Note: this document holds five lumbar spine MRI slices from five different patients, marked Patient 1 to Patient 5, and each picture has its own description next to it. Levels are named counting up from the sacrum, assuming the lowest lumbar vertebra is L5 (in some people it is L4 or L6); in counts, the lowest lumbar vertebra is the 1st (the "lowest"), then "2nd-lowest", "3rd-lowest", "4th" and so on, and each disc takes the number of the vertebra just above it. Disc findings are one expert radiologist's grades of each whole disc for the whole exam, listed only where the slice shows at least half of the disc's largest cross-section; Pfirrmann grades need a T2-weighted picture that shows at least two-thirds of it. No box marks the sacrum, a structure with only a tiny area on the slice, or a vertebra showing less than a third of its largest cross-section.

Patient 1 of 5:
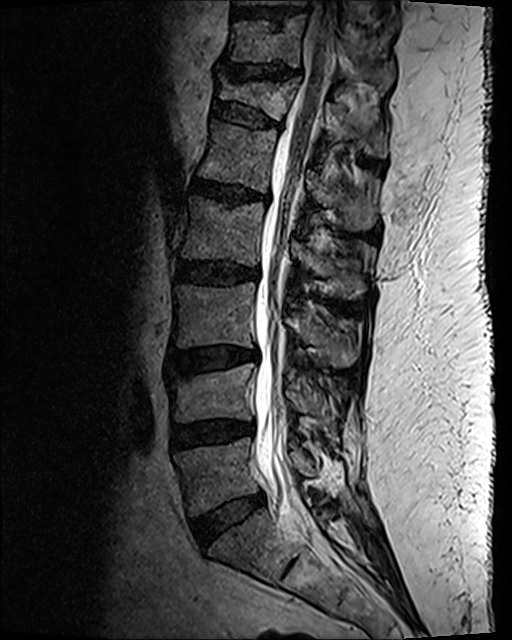 Lumbar spine MR, T2 SPACE (3D), sagittal. Patient sex: M. Field of view 240x300 mm, slice spacing 0.9 mm.
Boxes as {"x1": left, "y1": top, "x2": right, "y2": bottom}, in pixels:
Intervertebral disc L2/L3: {"x1": 178, "y1": 260, "x2": 258, "y2": 286}.
L3/L4: {"x1": 174, "y1": 349, "x2": 258, "y2": 374}.
T11/T12: {"x1": 227, "y1": 66, "x2": 292, "y2": 81}.
Intervertebral disc T12/L1: {"x1": 212, "y1": 101, "x2": 279, "y2": 128}.
Intervertebral disc L4/L5: {"x1": 171, "y1": 422, "x2": 249, "y2": 449}.
L3 vertebra: {"x1": 173, "y1": 282, "x2": 359, "y2": 367}.
L1: {"x1": 198, "y1": 121, "x2": 376, "y2": 231}.
T12 vertebra: {"x1": 218, "y1": 80, "x2": 384, "y2": 156}.
L5/S1: {"x1": 192, "y1": 493, "x2": 265, "y2": 546}.
T11: {"x1": 225, "y1": 16, "x2": 394, "y2": 91}.
L4: {"x1": 166, "y1": 364, "x2": 323, "y2": 423}.
L1/L2: {"x1": 191, "y1": 180, "x2": 249, "y2": 206}.
L5: {"x1": 175, "y1": 438, "x2": 317, "y2": 515}.
Spinal canal: {"x1": 254, "y1": 1, "x2": 335, "y2": 528}.
T10/T11: {"x1": 237, "y1": 10, "x2": 301, "y2": 20}.
L2: {"x1": 182, "y1": 198, "x2": 365, "y2": 299}.

Per-level radiological findings:
• T11/T12: Pfirrmann grade 2, disc narrowing, lower-endplate change, disc bulging, upper-endplate change
• L4/L5: Pfirrmann grade 3, disc bulging, disc narrowing
• L5/S1: Pfirrmann grade 2, disc bulging
• L2/L3: Pfirrmann grade 3, disc bulging, lower-endplate change
• L3/L4: Pfirrmann grade 3, lower-endplate change, upper-endplate change, Modic type II, disc bulging
• L1/L2: Pfirrmann grade 3, upper-endplate change, Modic type II, lower-endplate change, disc bulging, disc narrowing
• T12/L1: Pfirrmann grade 2, lower-endplate change, disc bulging, upper-endplate change, spondylolisthesis

Patient 2 of 5:
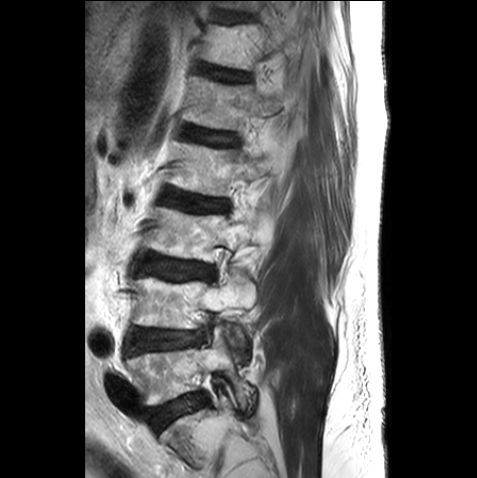 Sagittal T2-weighted lumbar spine MRI; 477x478 px
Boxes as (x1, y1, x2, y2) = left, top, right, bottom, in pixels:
Structures:
• L2/L3 (4th disc) = (162, 189, 228, 212)
• T12/L1 (6th disc) = (202, 65, 249, 81)
• L1/L2 (5th disc) = (185, 128, 236, 145)
• L4 (2nd-lowest vertebra) = (131, 269, 255, 350)
• L1 (5th vertebra) = (184, 76, 294, 129)
• T12 (6th vertebra) = (202, 24, 295, 70)
• L5 (lowest vertebra) = (127, 325, 253, 407)
• IVD L4/L5 (2nd-lowest disc) = (129, 330, 203, 352)
• L3 (3rd-lowest vertebra) = (148, 207, 262, 262)
• L2 (4th vertebra) = (167, 142, 273, 195)
• IVD L5/S1 (lowest disc) = (151, 394, 204, 427)
• T11/T12 (7th disc) = (220, 13, 250, 22)
• IVD L3/L4 (3rd-lowest disc) = (138, 254, 214, 279)

Expert MSK radiologist gradings (per disc):
- L2/L3 (4th disc): Pfirrmann grade 3, upper-endplate change
- L3/L4 (3rd-lowest disc): Pfirrmann grade 2
- L4/L5 (2nd-lowest disc): lower-endplate change
- L1/L2 (5th disc): no Modic or endplate change, herniation, narrowing, bulging or spondylolisthesis recorded

Patient 3 of 5:
Slice 14/19, Sagittal T2-weighted lumbar spine MRI, Scanner: Philips Medical Systems Ingenia (1.5T) 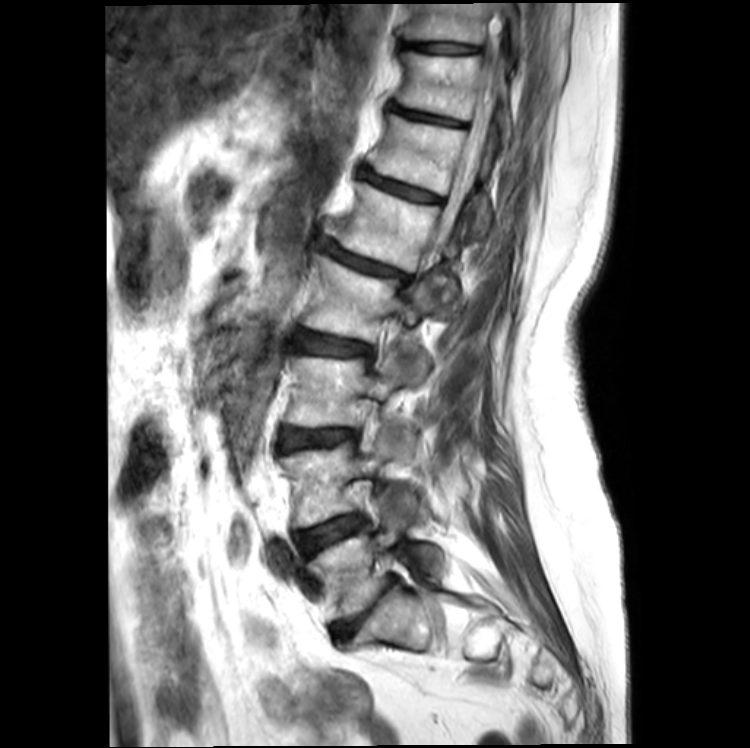
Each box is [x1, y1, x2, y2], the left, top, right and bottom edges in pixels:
• L4 at [282, 437, 414, 526]
• T10 at [406, 3, 524, 53]
• L3 vertebra at [288, 355, 402, 426]
• L3/L4 at [281, 427, 354, 449]
• IVD L1/L2 at [322, 240, 413, 281]
• IVD L4/L5 at [297, 513, 367, 555]
• L2 vertebra at [303, 255, 443, 380]
• L5 at [310, 507, 437, 625]
• T11/T12 at [392, 105, 465, 125]
• L1 vertebra at [333, 181, 461, 302]
• IVD T12/L1 at [361, 170, 443, 201]
• T12 at [368, 114, 499, 232]
• T11 vertebra at [396, 52, 512, 134]
• T10/T11 at [408, 42, 480, 53]
• L2/L3 at [295, 330, 373, 354]
• thecal sac / spinal canal at [418, 13, 500, 285]
• L5/S1 at [333, 589, 389, 641]

Degenerative findings by level:
• L3/L4: Pfirrmann grade 3, disc narrowing, Modic type II, disc bulging
• L1/L2: Pfirrmann grade 4, Modic type II, disc narrowing, upper-endplate change, lower-endplate change, disc bulging, spondylolisthesis
• L2/L3: Pfirrmann grade 3, disc bulging, Modic type II
• T12/L1: Pfirrmann grade 4, disc narrowing, Modic type II, lower-endplate change, upper-endplate change
• L4/L5: Pfirrmann grade 3, disc bulging, Modic type II
• T11/T12: Pfirrmann grade 4, disc narrowing, Modic type II, upper-endplate change, lower-endplate change
• T10/T11: Pfirrmann grade 2, lower-endplate change

Patient 4 of 5:
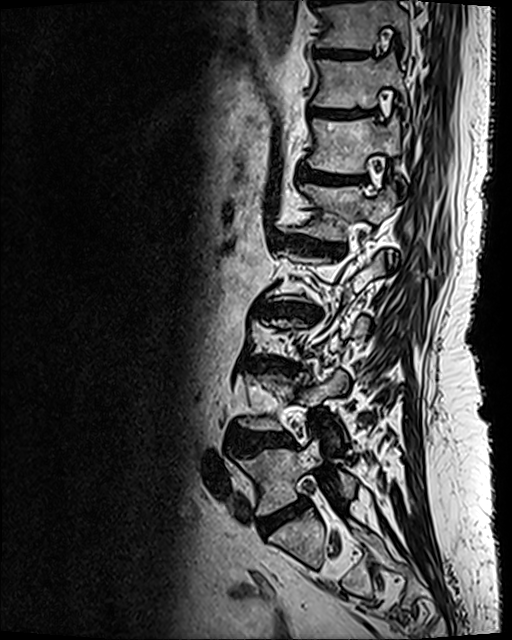 512x640 px, Lumbar spine MR, T2 SPACE (3D), sagittal, Field of view 240x300 mm, slice spacing 0.9 mm, Sex F

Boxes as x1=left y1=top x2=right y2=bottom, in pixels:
2nd-lowest disc: x1=229 y1=432 x2=294 y2=454 | 8th vertebra: x1=317 y1=0 x2=408 y2=56 | 5th disc: x1=273 y1=234 x2=344 y2=255 | lowest vertebra: x1=238 y1=439 x2=356 y2=513 | 7th vertebra: x1=314 y1=55 x2=409 y2=117 | 4th disc: x1=256 y1=299 x2=319 y2=321 | 3rd-lowest disc: x1=255 y1=359 x2=294 y2=370 | 8th disc: x1=315 y1=50 x2=363 y2=57 | 7th disc: x1=309 y1=107 x2=373 y2=118 | 6th disc: x1=299 y1=169 x2=365 y2=183 | 6th vertebra: x1=308 y1=114 x2=399 y2=174 | 5th vertebra: x1=298 y1=184 x2=396 y2=241 | lowest disc: x1=259 y1=502 x2=303 y2=534

Per-level radiological findings:
  6th disc: Pfirrmann grade 4, lower-endplate change, upper-endplate change, Modic type II
  7th disc: Pfirrmann grade 4, lower-endplate change, upper-endplate change
  4th disc: Pfirrmann grade 5, upper-endplate change, Modic type II, disc narrowing, lower-endplate change, disc bulging
  8th disc: Pfirrmann grade 4, lower-endplate change, upper-endplate change
  5th disc: Pfirrmann grade 5, lower-endplate change, upper-endplate change, disc bulging, Modic type II, disc narrowing
  2nd-lowest disc: Pfirrmann grade 4, disc bulging, upper-endplate change, lower-endplate change

Patient 5 of 5:
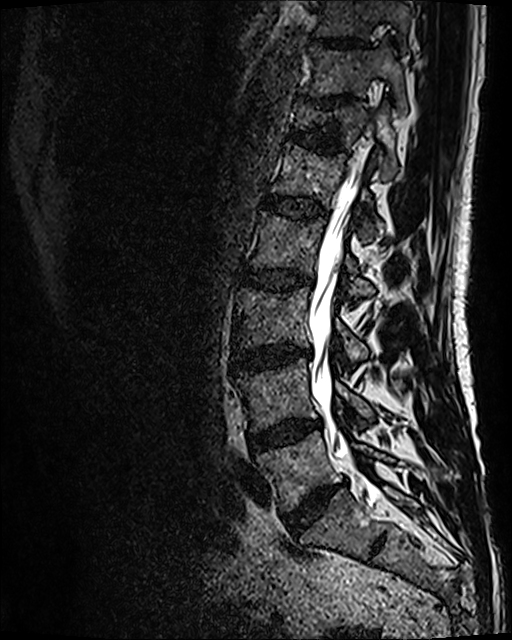 Sex M; Sagittal slice index 49; T2 SPACE (3D) sagittal MRI of the lumbar spine
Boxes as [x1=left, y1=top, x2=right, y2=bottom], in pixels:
IVD T10/T11 = [x1=310, y1=37, x2=362, y2=47].
T11 = [x1=301, y1=41, x2=407, y2=114].
L1 vertebra = [x1=271, y1=143, x2=379, y2=241].
L3/L4 = [x1=231, y1=345, x2=310, y2=372].
T10 vertebra = [x1=317, y1=0, x2=409, y2=51].
T12 = [x1=293, y1=100, x2=398, y2=178].
IVD L1/L2 = [x1=263, y1=194, x2=326, y2=218].
L4 = [x1=235, y1=358, x2=373, y2=432].
L3 = [x1=236, y1=287, x2=368, y2=362].
L5/S1 = [x1=283, y1=487, x2=336, y2=534].
IVD L4/L5 = [x1=249, y1=419, x2=320, y2=450].
L5 = [x1=256, y1=431, x2=390, y2=510].
Spinal canal = [x1=308, y1=129, x2=373, y2=501].
T11/T12 = [x1=316, y1=96, x2=348, y2=107].
L2/L3 = [x1=240, y1=269, x2=312, y2=290].
T12/L1 = [x1=288, y1=127, x2=342, y2=153].
L2 vertebra = [x1=250, y1=212, x2=375, y2=299].

Radiological gradings:
• L3/L4: Pfirrmann grade 4, disc narrowing, disc bulging, Modic type II
• L4/L5: Pfirrmann grade 3, disc bulging, Modic type II
• L2/L3: Pfirrmann grade 3, Modic type II, disc bulging
• T11/T12: disc narrowing, lower-endplate change, upper-endplate change
• T12/L1: lower-endplate change, upper-endplate change
• L5/S1: Pfirrmann grade 4, disc narrowing, disc bulging
• L1/L2: Pfirrmann grade 3
• T10/T11: no Modic or endplate change, herniation, narrowing, bulging or spondylolisthesis recorded